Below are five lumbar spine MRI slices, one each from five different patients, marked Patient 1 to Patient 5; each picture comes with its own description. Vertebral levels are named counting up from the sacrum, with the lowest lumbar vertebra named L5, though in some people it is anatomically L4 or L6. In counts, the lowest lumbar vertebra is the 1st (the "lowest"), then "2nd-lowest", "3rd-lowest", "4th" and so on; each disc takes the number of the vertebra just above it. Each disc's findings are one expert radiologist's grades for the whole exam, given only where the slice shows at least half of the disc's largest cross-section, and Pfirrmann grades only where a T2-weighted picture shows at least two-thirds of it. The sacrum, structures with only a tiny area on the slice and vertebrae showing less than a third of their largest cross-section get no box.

Patient 1 of 5:
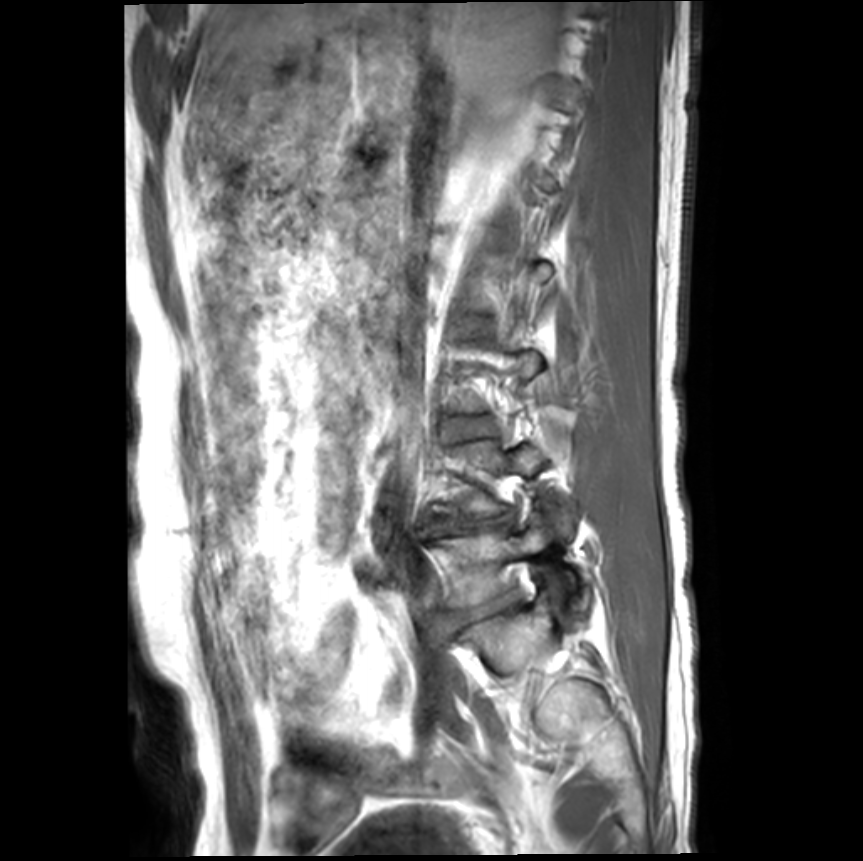 Sagittal slice index 5, 863x861 px, MRI lumbar spine (T1-weighted), sagittal plane

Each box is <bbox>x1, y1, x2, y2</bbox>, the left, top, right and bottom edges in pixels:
L5/S1: <bbox>433, 585, 526, 637</bbox> | L5 vertebra: <bbox>438, 521, 575, 606</bbox> | L4/L5: <bbox>435, 513, 503, 534</bbox>

Expert MSK radiologist gradings (per disc):
  L4/L5: disc bulging, disc narrowing, Modic type II, lower-endplate change, upper-endplate change
  L5/S1: disc bulging, upper-endplate change, spondylolisthesis, lower-endplate change, disc narrowing

Patient 2 of 5:
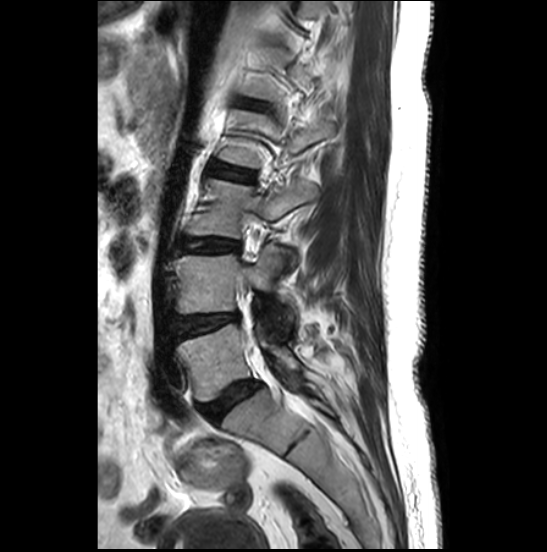 Sagittal T2-weighted lumbar spine MRI | Field of view 280x282 mm | Image 547x552
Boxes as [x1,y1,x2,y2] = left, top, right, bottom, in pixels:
L1/L2: [242,100,260,109].
Thecal sac / spinal canal: [246,334,254,345].
L5 vertebra: [176,313,300,401].
L3 vertebra: [188,180,317,268].
L4: [173,246,293,338].
Disc L2/L3: [211,164,252,181].
L2 vertebra: [220,110,334,167].
L5/S1: [200,381,259,421].
L3/L4: [183,239,238,251].
Disc L4/L5: [175,314,237,338].

Degenerative findings by level:
- L3/L4: Pfirrmann grade 4, disc bulging
- L4/L5: Pfirrmann grade 3, disc bulging
- L5/S1: Pfirrmann grade 4, disc bulging
- L2/L3: no Modic or endplate change, herniation, narrowing, bulging or spondylolisthesis recorded

Patient 3 of 5:
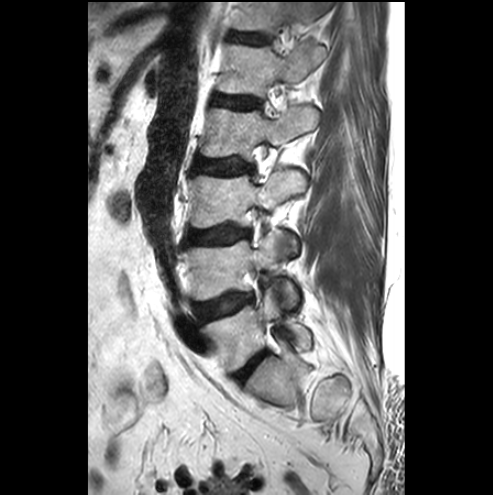 MRI lumbar spine (T2-weighted), sagittal plane
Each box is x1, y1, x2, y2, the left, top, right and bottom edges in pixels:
L4 vertebra: 183, 233, 297, 307 | L3: 189, 170, 305, 255 | L2/L3: 194, 159, 253, 174 | L1 vertebra: 217, 43, 326, 96 | L3/L4: 185, 227, 250, 244 | L5/S1: 234, 352, 265, 382 | L2: 201, 107, 318, 159 | IVD T12/L1: 228, 32, 270, 44 | IVD L1/L2: 213, 94, 261, 109 | IVD L4/L5: 194, 294, 252, 321 | L5 vertebra: 203, 288, 310, 372 | T12 vertebra: 233, 2, 321, 31

Per-level radiological findings:
- L3/L4: Pfirrmann grade 3, disc bulging
- L4/L5: disc bulging, Modic type III
- L2/L3: Pfirrmann grade 1
- L1/L2, T12/L1: no Modic or endplate change, herniation, narrowing, bulging or spondylolisthesis recorded

Patient 4 of 5:
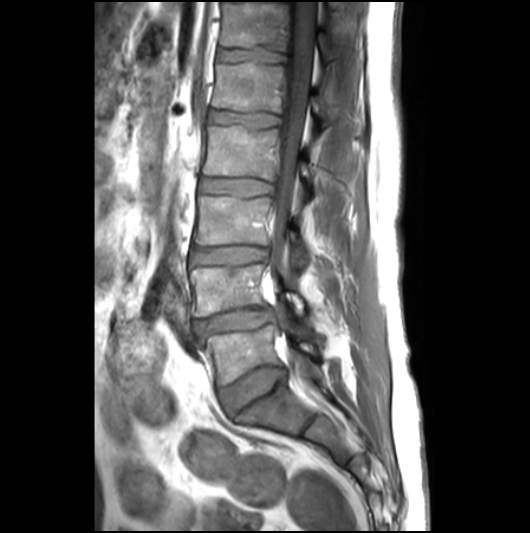

MRI lumbar spine (T1-weighted), sagittal plane

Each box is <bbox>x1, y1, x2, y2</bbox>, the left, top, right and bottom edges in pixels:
T12/L1 (6th disc): <bbox>219, 46, 284, 64</bbox>
disc L3/L4 (3rd-lowest disc): <bbox>191, 246, 266, 264</bbox>
L4 (2nd-lowest vertebra): <bbox>190, 264, 305, 317</bbox>
L4/L5 (2nd-lowest disc): <bbox>195, 308, 276, 334</bbox>
thecal sac / spinal canal: <bbox>269, 2, 315, 366</bbox>
L1 (5th vertebra): <bbox>212, 62, 333, 125</bbox>
L2/L3 (4th disc): <bbox>201, 178, 271, 197</bbox>
disc L5/S1 (lowest disc): <bbox>219, 366, 285, 415</bbox>
T12 (6th vertebra): <bbox>220, 2, 337, 59</bbox>
disc L1/L2 (5th disc): <bbox>207, 110, 279, 129</bbox>
L3 (3rd-lowest vertebra): <bbox>194, 196, 307, 268</bbox>
L2 (4th vertebra): <bbox>203, 126, 311, 182</bbox>
L5 (lowest vertebra): <bbox>202, 325, 319, 384</bbox>

Degenerative findings by level:
- L5/S1 (lowest disc): disc bulging
- L4/L5 (2nd-lowest disc): Modic type II, disc herniation, disc narrowing, disc bulging
- L3/L4 (3rd-lowest disc): upper-endplate change, disc bulging
- T12/L1 (6th disc): lower-endplate change
- L1/L2 (5th disc), L2/L3 (4th disc): no Modic or endplate change, herniation, narrowing, bulging or spondylolisthesis recorded

Patient 5 of 5:
SIEMENS Avanto_fit (1.5T); T2 SPACE (3D) sagittal MRI of the lumbar spine; Sex F

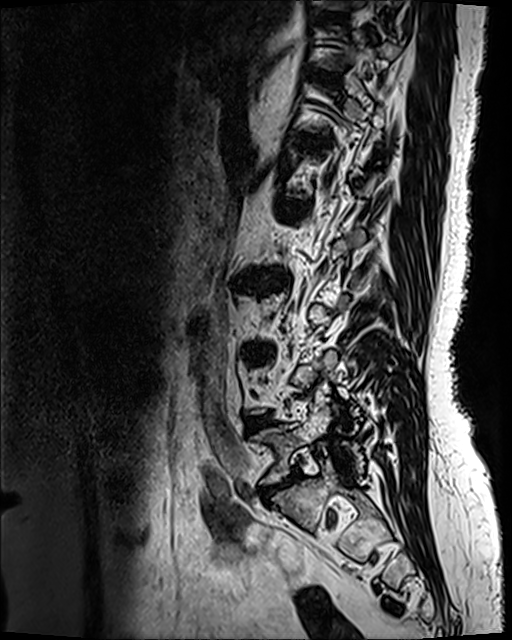 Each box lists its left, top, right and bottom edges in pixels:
{"disc L2/L3": "left=252, top=272, right=286, bottom=286", "disc L5/S1": "left=261, top=471, right=298, bottom=497", "disc T10/T11": "left=322, top=11, right=348, bottom=22", "L4/L5": "left=248, top=417, right=271, bottom=427", "L1/L2": "left=277, top=200, right=307, bottom=216", "T11/T12": "left=318, top=74, right=336, bottom=81", "disc T12/L1": "left=300, top=136, right=324, bottom=144", "disc L3/L4": "left=250, top=349, right=263, bottom=353", "L5": "left=255, top=405, right=331, bottom=483"}